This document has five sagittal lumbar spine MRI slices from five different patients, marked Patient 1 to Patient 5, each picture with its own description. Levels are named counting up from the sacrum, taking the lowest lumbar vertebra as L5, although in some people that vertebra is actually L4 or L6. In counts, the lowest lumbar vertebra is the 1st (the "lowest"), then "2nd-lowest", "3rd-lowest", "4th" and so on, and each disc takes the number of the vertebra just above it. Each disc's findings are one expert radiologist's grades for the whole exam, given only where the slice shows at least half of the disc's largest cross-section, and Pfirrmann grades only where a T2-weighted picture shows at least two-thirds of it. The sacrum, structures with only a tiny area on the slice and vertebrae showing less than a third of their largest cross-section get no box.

Patient 1 of 5:
Sagittal T2 SPACE (3D) lumbar spine MRI. Sex F. Scanner: SIEMENS Avanto_fit (1.5T). 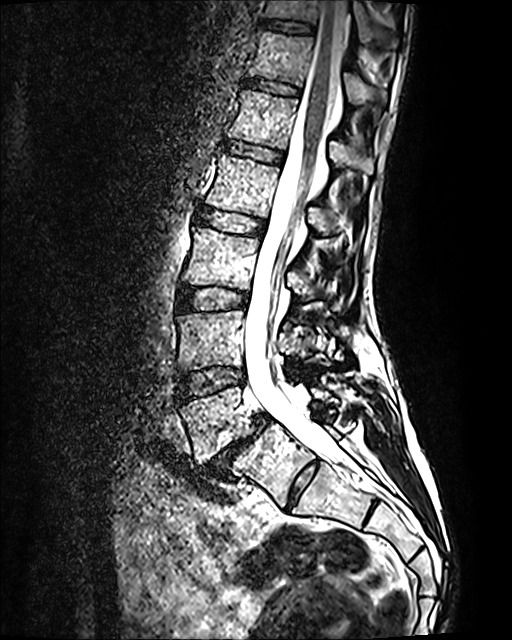
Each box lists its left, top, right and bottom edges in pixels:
Structures:
* T12/L1 at left=245, top=78, right=299, bottom=95
* L1/L2 at left=222, top=141, right=283, bottom=163
* L1 vertebra at left=228, top=89, right=373, bottom=174
* L2 at left=205, top=153, right=343, bottom=234
* T11 at left=263, top=0, right=396, bottom=47
* L3 vertebra at left=182, top=227, right=342, bottom=309
* IVD T11/T12 at left=261, top=19, right=313, bottom=32
* L3/L4 at left=178, top=287, right=247, bottom=310
* thecal sac / spinal canal at left=244, top=0, right=349, bottom=464
* T12 at left=248, top=31, right=386, bottom=104
* L4/L5 at left=177, top=367, right=243, bottom=402
* L5/S1 at left=201, top=415, right=270, bottom=478
* L4 vertebra at left=177, top=310, right=315, bottom=370
* L2/L3 at left=197, top=207, right=264, bottom=235
* L5 at left=180, top=386, right=333, bottom=462

Degenerative findings by level:
• L4/L5: Pfirrmann grade 2
• T11/T12: Pfirrmann grade 2
• L1/L2: Pfirrmann grade 2
• T12/L1: Pfirrmann grade 2
• L3/L4: Pfirrmann grade 2
• L2/L3: Pfirrmann grade 2
• L5/S1: Pfirrmann grade 5, Modic type II, disc bulging, disc narrowing, spondylolisthesis

Patient 2 of 5:
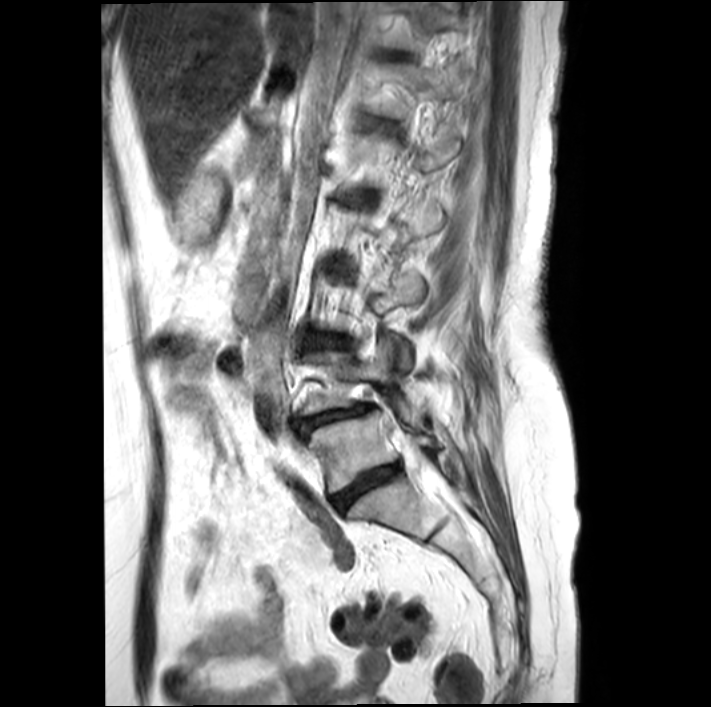 Slice spacing 4.4 mm, Image 711x707, MRI lumbar spine (T2-weighted), sagittal plane

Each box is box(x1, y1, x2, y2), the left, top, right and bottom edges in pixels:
IVD L5/S1 at box(334, 464, 399, 509) | L4 at box(304, 337, 424, 424) | IVD L4/L5 at box(301, 406, 368, 431) | IVD L3/L4 at box(305, 336, 345, 347) | L5 at box(310, 407, 438, 492) | spinal canal at box(404, 449, 425, 481)

Per-level radiological findings:
• L5/S1: Pfirrmann grade 4, disc narrowing, disc bulging, lower-endplate change, Modic type II

Patient 3 of 5:
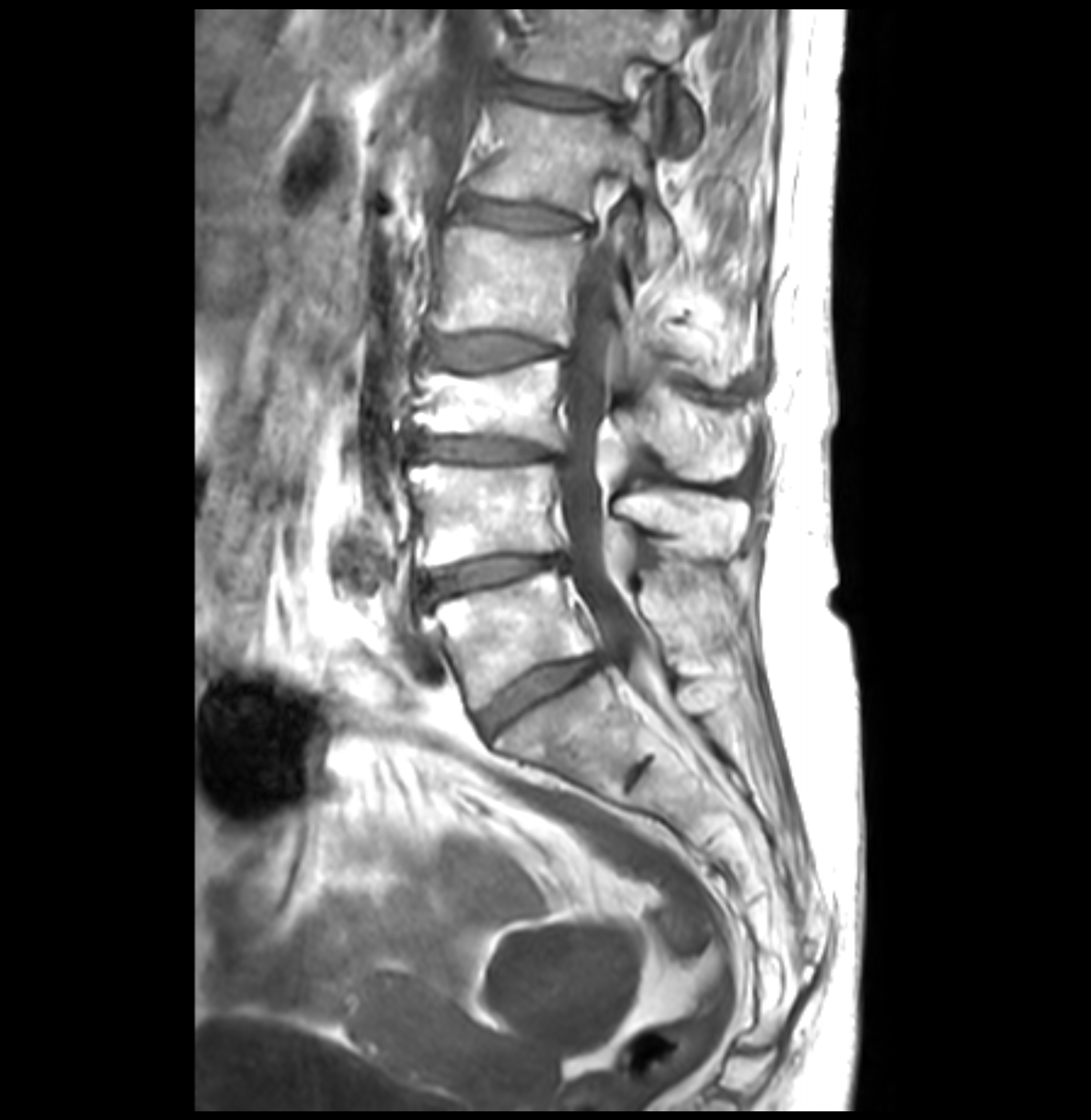 Sagittal T1-weighted lumbar spine MRI
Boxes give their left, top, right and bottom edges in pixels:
Annotations:
• 5th vertebra at left=475, top=102, right=676, bottom=268
• thecal sac / spinal canal at left=560, top=164, right=642, bottom=671
• 4th disc at left=426, top=334, right=570, bottom=369
• 6th vertebra at left=514, top=9, right=698, bottom=150
• lowest vertebra at left=424, top=570, right=737, bottom=711
• 5th disc at left=465, top=200, right=594, bottom=235
• 3rd-lowest vertebra at left=414, top=360, right=744, bottom=481
• lowest disc at left=480, top=657, right=598, bottom=734
• 4th vertebra at left=433, top=226, right=747, bottom=381
• 3rd-lowest disc at left=414, top=432, right=564, bottom=462
• 6th disc at left=499, top=75, right=626, bottom=116
• 2nd-lowest vertebra at left=409, top=463, right=747, bottom=565
• 2nd-lowest disc at left=419, top=554, right=567, bottom=607

Radiological gradings:
  lowest disc: disc bulging
  6th disc: upper-endplate change, disc bulging
  3rd-lowest disc: disc narrowing, upper-endplate change, Modic type II, disc bulging
  5th disc: lower-endplate change, upper-endplate change
  2nd-lowest disc: disc bulging, Modic type II, disc narrowing
  4th disc: disc bulging, Modic type II

Patient 4 of 5:
Sex M; SIEMENS Avanto_fit (1.5T); Lumbar spine MR, T2 SPACE (3D), sagittal
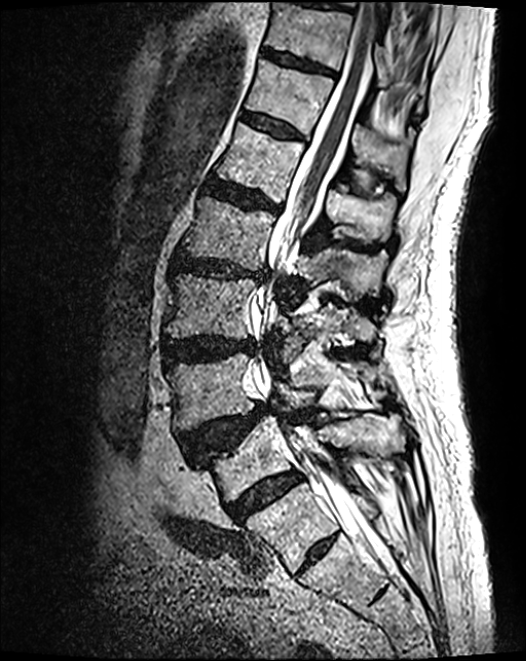
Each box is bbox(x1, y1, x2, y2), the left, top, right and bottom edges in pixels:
4th disc at bbox(171, 253, 268, 283); lowest vertebra at bbox(201, 418, 397, 501); 2nd-lowest disc at bbox(181, 404, 271, 460); 5th disc at bbox(206, 178, 281, 213); thecal sac / spinal canal at bbox(251, 1, 381, 558); 6th vertebra at bbox(246, 61, 408, 188); 5th vertebra at bbox(216, 124, 395, 242); 6th disc at bbox(241, 112, 304, 141); 3rd-lowest disc at bbox(162, 338, 255, 365); 7th vertebra at bbox(266, 3, 422, 98); 4th vertebra at bbox(181, 197, 386, 302); 7th disc at bbox(262, 49, 334, 74); 3rd-lowest vertebra at bbox(166, 275, 376, 361); lowest disc at bbox(227, 472, 300, 521); 2nd-lowest vertebra at bbox(166, 354, 373, 432).

Degenerative findings by level:
  4th disc: Pfirrmann grade 4, disc bulging, disc narrowing, lower-endplate change, upper-endplate change
  5th disc: Pfirrmann grade 4, lower-endplate change, disc bulging, upper-endplate change
  2nd-lowest disc: Pfirrmann grade 4, spondylolisthesis, upper-endplate change, disc herniation
  6th disc: Pfirrmann grade 3
  3rd-lowest disc: Pfirrmann grade 4, disc bulging
  7th disc: Pfirrmann grade 3, lower-endplate change
  lowest disc: Pfirrmann grade 4

Patient 5 of 5:
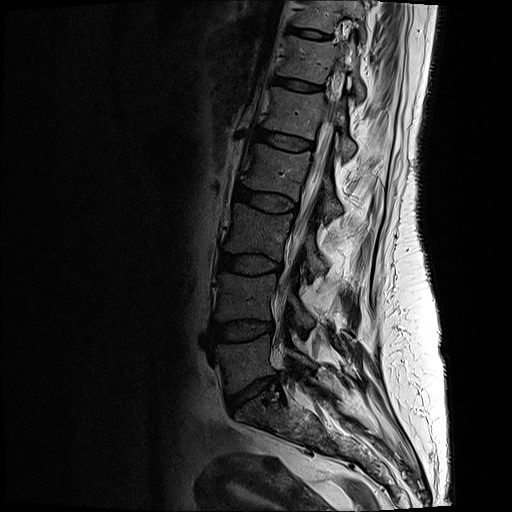

Image 512x512; MRI lumbar spine (T2-weighted), sagittal plane; Sex F
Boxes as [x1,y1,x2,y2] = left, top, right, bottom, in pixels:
lowest vertebra at [216,335,313,391] | 4th vertebra at [240,143,341,218] | 7th disc at [290,26,329,38] | 2nd-lowest disc at [215,322,273,341] | 5th vertebra at [263,86,355,157] | 6th disc at [273,77,321,89] | spinal canal at [278,71,340,354] | 5th disc at [253,128,313,149] | lowest disc at [230,378,279,404] | 4th disc at [234,186,297,210] | 3rd-lowest disc at [218,252,281,273] | 3rd-lowest vertebra at [226,203,325,273] | 2nd-lowest vertebra at [216,272,313,326] | 7th vertebra at [290,0,365,31] | 6th vertebra at [278,35,364,99]

Radiological gradings:
  4th disc: Pfirrmann grade 3, disc bulging
  3rd-lowest disc: Pfirrmann grade 3
  2nd-lowest disc: Pfirrmann grade 3, disc bulging
  6th disc: Pfirrmann grade 2
  5th disc: Pfirrmann grade 2
  lowest disc: lower-endplate change, disc narrowing, upper-endplate change, disc herniation
  7th disc: no spondylolisthesis, narrowing, bulging, herniation, Modic or endplate change recorded